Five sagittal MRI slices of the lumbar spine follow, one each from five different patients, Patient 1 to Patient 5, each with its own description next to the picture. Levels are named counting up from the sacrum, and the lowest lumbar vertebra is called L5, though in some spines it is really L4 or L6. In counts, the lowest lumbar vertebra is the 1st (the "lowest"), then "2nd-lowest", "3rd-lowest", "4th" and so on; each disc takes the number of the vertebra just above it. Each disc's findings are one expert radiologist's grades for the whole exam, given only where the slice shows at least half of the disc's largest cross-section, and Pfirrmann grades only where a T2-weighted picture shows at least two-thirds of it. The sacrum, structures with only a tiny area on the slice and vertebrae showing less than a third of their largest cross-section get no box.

Patient 1 of 5:
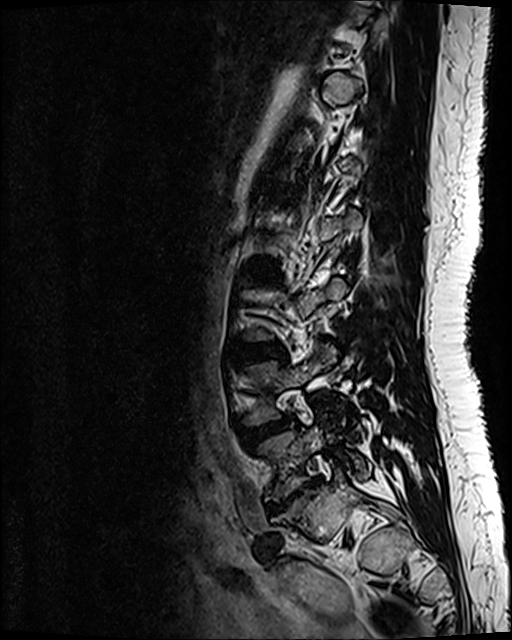 Image 512x640. Sagittal T2 SPACE (3D) lumbar spine MRI. Slice 86/120.
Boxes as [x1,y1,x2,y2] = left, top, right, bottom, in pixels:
2nd-lowest disc: [241,417,292,444].
Lowest vertebra: [260,426,368,499].
Lowest disc: [268,479,320,513].
3rd-lowest disc: [233,344,283,357].
4th disc: [252,268,277,277].

Patient 2 of 5:
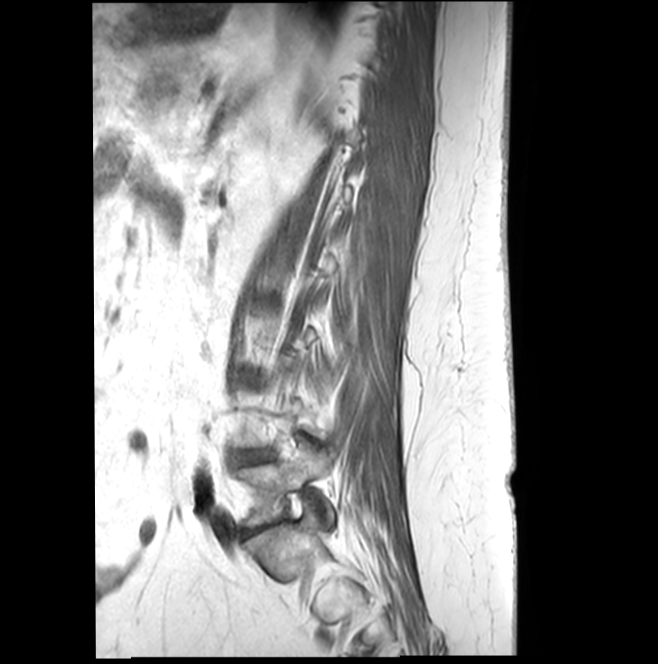 Sagittal T1-weighted lumbar spine MRI
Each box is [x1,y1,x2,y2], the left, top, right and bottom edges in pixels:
2nd-lowest disc: [233,452,272,466].
Lowest vertebra: [236,441,333,527].

Patient 3 of 5:
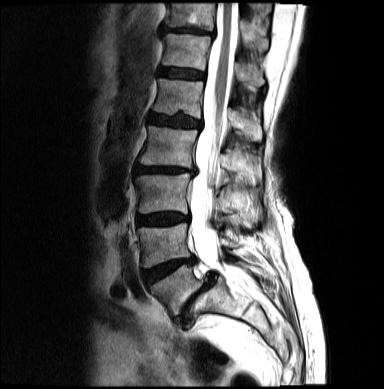

Image 384x389 | Slice 9 of 18 | Lumbar spine MR, T2-weighted, sagittal | Field of view 260x264 mm

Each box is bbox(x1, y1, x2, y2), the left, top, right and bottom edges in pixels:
L1/L2: bbox(151, 114, 202, 127)
L4/L5: bbox(144, 256, 197, 285)
L1 vertebra: bbox(155, 80, 263, 138)
spinal canal: bbox(192, 1, 239, 280)
L2 vertebra: bbox(139, 127, 255, 174)
intervertebral disc L2/L3: bbox(135, 166, 197, 174)
T12 vertebra: bbox(163, 34, 265, 86)
T12/L1: bbox(159, 68, 204, 79)
L5 vertebra: bbox(151, 263, 262, 316)
intervertebral disc L3/L4: bbox(138, 215, 190, 225)
T11 vertebra: bbox(168, 1, 269, 50)
L3 vertebra: bbox(135, 173, 233, 215)
L5/S1: bbox(175, 274, 215, 327)
L4 vertebra: bbox(138, 225, 240, 269)
intervertebral disc T11/T12: bbox(162, 28, 208, 35)

Per-level radiological findings:
- L5/S1: Pfirrmann grade 5, upper-endplate change, spondylolisthesis, Modic type II, lower-endplate change, disc bulging, disc narrowing, disc herniation
- L3/L4: Pfirrmann grade 4, disc bulging
- L1/L2: Pfirrmann grade 4, disc bulging, lower-endplate change
- T12/L1: Pfirrmann grade 3
- L2/L3: Pfirrmann grade 4, disc narrowing, Modic type II, disc bulging
- T11/T12: Pfirrmann grade 4, disc narrowing, disc bulging
- L4/L5: Pfirrmann grade 4, Modic type II, disc narrowing

Patient 4 of 5:
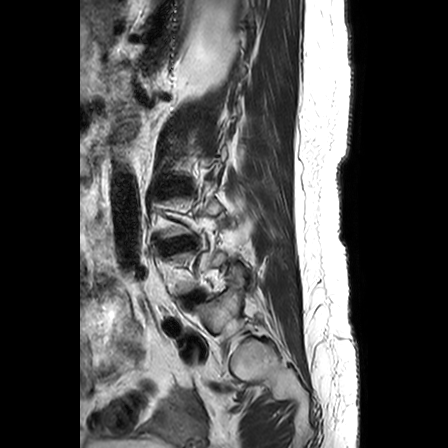
Lumbar spine MR, T2-weighted, sagittal, Field of view 280x280 mm, slice spacing 3.3 mm, Sex F

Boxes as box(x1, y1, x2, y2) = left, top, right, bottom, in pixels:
Lowest vertebra: box(193, 266, 242, 331).
3rd-lowest disc: box(162, 238, 188, 250).
2nd-lowest disc: box(186, 292, 198, 299).

Patient 5 of 5:
Slice 23 of 32; Field of view 285x282 mm; Sex F; T1-weighted sagittal MRI of the lumbar spine
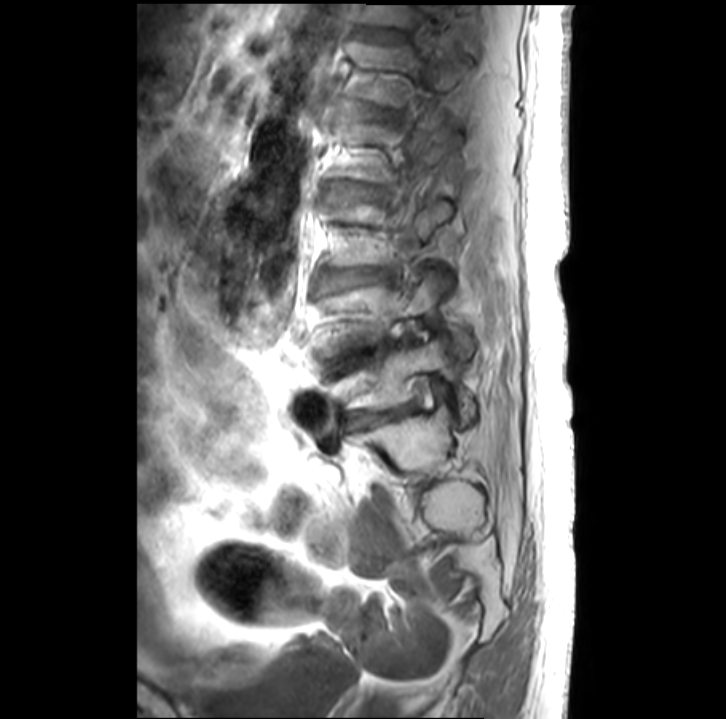
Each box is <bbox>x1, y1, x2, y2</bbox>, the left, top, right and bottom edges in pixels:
Segmented structures:
* L3 (3rd-lowest vertebra): <bbox>328, 198, 452, 266</bbox>
* L5 (lowest vertebra): <bbox>345, 338, 475, 423</bbox>
* L2 (4th vertebra): <bbox>335, 119, 459, 182</bbox>
* T12/L1 (6th disc): <bbox>359, 29, 406, 39</bbox>
* IVD L5/S1 (lowest disc): <bbox>345, 405, 409, 424</bbox>
* IVD L1/L2 (5th disc): <bbox>349, 102, 391, 117</bbox>
* IVD L2/L3 (4th disc): <bbox>334, 184, 380, 198</bbox>
* L1 (5th vertebra): <bbox>347, 40, 467, 105</bbox>
* T12 (6th vertebra): <bbox>356, 3, 463, 26</bbox>
* IVD L3/L4 (3rd-lowest disc): <bbox>317, 268, 389, 290</bbox>
* L4 (2nd-lowest vertebra): <bbox>316, 270, 473, 357</bbox>
* IVD L4/L5 (2nd-lowest disc): <bbox>326, 337, 410, 371</bbox>

Expert MSK radiologist gradings (per disc):
  L4/L5 (2nd-lowest disc): disc narrowing
  L5/S1 (lowest disc): Modic type II, disc narrowing
  L3/L4 (3rd-lowest disc): Modic type II, disc narrowing